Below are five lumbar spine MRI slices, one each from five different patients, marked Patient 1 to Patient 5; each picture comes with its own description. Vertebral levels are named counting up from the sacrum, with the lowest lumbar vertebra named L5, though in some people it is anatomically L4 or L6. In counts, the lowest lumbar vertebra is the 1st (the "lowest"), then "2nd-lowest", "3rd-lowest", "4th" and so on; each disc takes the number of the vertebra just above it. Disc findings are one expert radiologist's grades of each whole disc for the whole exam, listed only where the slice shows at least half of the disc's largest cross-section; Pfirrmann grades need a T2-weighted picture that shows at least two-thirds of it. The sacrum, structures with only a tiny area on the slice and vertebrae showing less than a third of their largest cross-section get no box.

Patient 1 of 5:
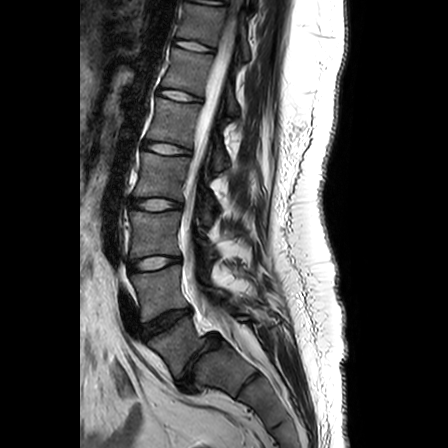 Slice 15 of 24, MRI lumbar spine (T2-weighted), sagittal plane, Image 448x448
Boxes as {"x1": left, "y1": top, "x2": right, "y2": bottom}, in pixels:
IVD L3/L4: {"x1": 129, "y1": 256, "x2": 180, "y2": 272}.
L1 vertebra: {"x1": 148, "y1": 98, "x2": 228, "y2": 169}.
L3: {"x1": 129, "y1": 210, "x2": 217, "y2": 257}.
T11 vertebra: {"x1": 177, "y1": 3, "x2": 249, "y2": 59}.
T12/L1: {"x1": 159, "y1": 89, "x2": 200, "y2": 100}.
IVD L5/S1: {"x1": 177, "y1": 334, "x2": 220, "y2": 388}.
L2/L3: {"x1": 130, "y1": 198, "x2": 181, "y2": 210}.
L5: {"x1": 148, "y1": 311, "x2": 253, "y2": 378}.
L4 vertebra: {"x1": 131, "y1": 265, "x2": 227, "y2": 321}.
Spinal canal: {"x1": 181, "y1": 2, "x2": 243, "y2": 347}.
L4/L5: {"x1": 142, "y1": 308, "x2": 191, "y2": 338}.
T12: {"x1": 162, "y1": 48, "x2": 238, "y2": 113}.
IVD T11/T12: {"x1": 175, "y1": 39, "x2": 212, "y2": 51}.
L2: {"x1": 134, "y1": 152, "x2": 215, "y2": 223}.
L1/L2: {"x1": 145, "y1": 142, "x2": 190, "y2": 154}.

Radiological gradings:
  T12/L1: Pfirrmann grade 1
  L1/L2: Pfirrmann grade 1
  T11/T12: Pfirrmann grade 1
  L3/L4: Pfirrmann grade 3
  L4/L5: Pfirrmann grade 1, disc bulging
  L2/L3: Pfirrmann grade 4
  L5/S1: Pfirrmann grade 1, disc bulging, lower-endplate change, spondylolisthesis, disc narrowing

Patient 2 of 5:
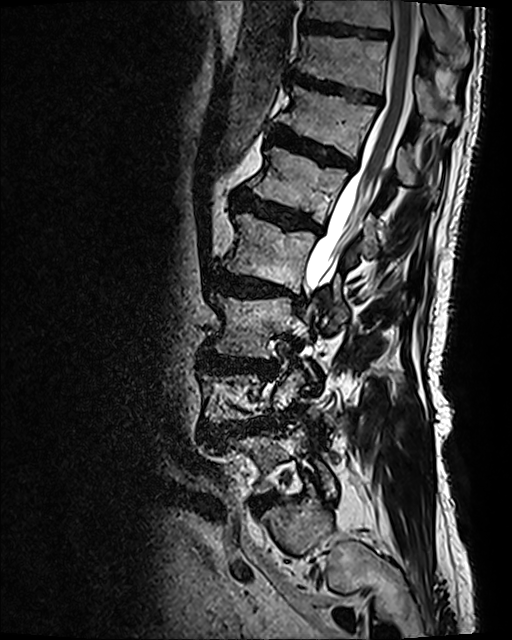 Field of view 240x300 mm | Sagittal T2 SPACE (3D) lumbar spine MRI | Slice 86 of 120 | Patient sex: M
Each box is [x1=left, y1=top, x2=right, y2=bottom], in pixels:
T10 (8th vertebra): [x1=303, y1=0, x2=460, y2=53] | L5/S1 (lowest disc): [x1=255, y1=498, x2=272, y2=512] | L2 (4th vertebra): [x1=224, y1=213, x2=347, y2=331] | T12 (6th vertebra): [x1=275, y1=87, x2=438, y2=197] | intervertebral disc T11/T12 (7th disc): [x1=291, y1=71, x2=381, y2=103] | L5 (lowest vertebra): [x1=239, y1=425, x2=334, y2=495] | intervertebral disc T10/T11 (8th disc): [x1=300, y1=22, x2=390, y2=39] | L3 (3rd-lowest vertebra): [x1=210, y1=294, x2=312, y2=374] | intervertebral disc L1/L2 (5th disc): [x1=236, y1=195, x2=320, y2=231] | intervertebral disc L2/L3 (4th disc): [x1=212, y1=270, x2=302, y2=304] | T12/L1 (6th disc): [x1=272, y1=126, x2=356, y2=168] | spinal canal: [x1=304, y1=1, x2=418, y2=300] | L4/L5 (2nd-lowest disc): [x1=226, y1=421, x2=260, y2=430] | L1 (5th vertebra): [x1=250, y1=146, x2=378, y2=255] | L3/L4 (3rd-lowest disc): [x1=200, y1=351, x2=274, y2=374] | T11 (7th vertebra): [x1=298, y1=36, x2=457, y2=119]

Per-level radiological findings:
  L1/L2 (5th disc): Pfirrmann grade 4, lower-endplate change, Modic type II, disc bulging, upper-endplate change
  T10/T11 (8th disc): Pfirrmann grade 3
  L2/L3 (4th disc): Pfirrmann grade 4, lower-endplate change, disc narrowing, upper-endplate change, Modic type I, disc bulging
  T12/L1 (6th disc): Pfirrmann grade 4, disc bulging, Modic type II, lower-endplate change, upper-endplate change
  L3/L4 (3rd-lowest disc): upper-endplate change, lower-endplate change, disc bulging
  T11/T12 (7th disc): Pfirrmann grade 4, lower-endplate change, disc bulging, upper-endplate change

Patient 3 of 5:
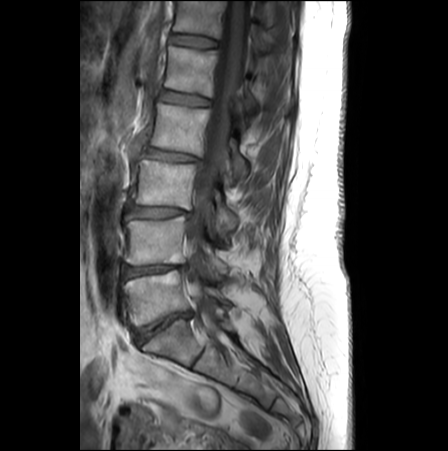

T1-weighted sagittal MRI of the lumbar spine | Patient sex: F
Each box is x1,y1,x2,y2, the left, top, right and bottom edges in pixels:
Structures:
* L1: 164,46,256,108
* L2/L3: 143,148,199,161
* L4: 124,216,227,275
* L5/S1: 135,311,190,343
* IVD L3/L4: 128,205,187,218
* IVD L1/L2: 160,90,209,106
* L5 vertebra: 122,269,228,325
* L2 vertebra: 149,102,248,177
* T12/L1: 170,33,216,47
* L4/L5: 122,265,185,279
* thecal sac / spinal canal: 183,0,249,341
* T12 vertebra: 173,0,271,52
* L3 vertebra: 134,159,237,230

Radiological gradings:
  L2/L3: disc narrowing, disc bulging
  L5/S1: disc bulging, disc narrowing, Modic type II
  L4/L5: disc narrowing, disc bulging, Modic type II, upper-endplate change
  L3/L4: Modic type II, disc bulging
  T12/L1, L1/L2: no spondylolisthesis, narrowing, bulging, herniation, Modic or endplate change recorded

Patient 4 of 5:
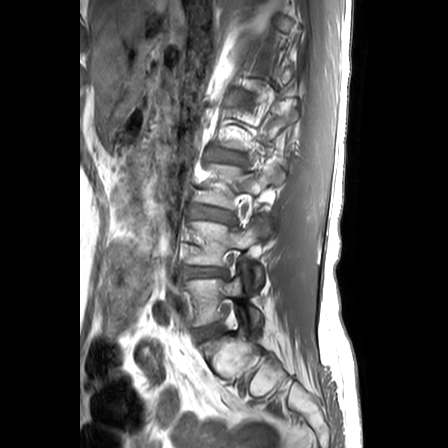

Slice 6/24; Lumbar spine MR, T1-weighted, sagittal; Field of view 280x280 mm, slice spacing 3.3 mm

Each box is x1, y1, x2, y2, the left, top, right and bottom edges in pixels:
Segmented structures:
* L4 vertebra — 188, 218, 270, 290
* L5 vertebra — 183, 276, 261, 332
* intervertebral disc L3/L4 — 192, 207, 235, 224
* intervertebral disc L4/L5 — 182, 267, 225, 277
* L5/S1 — 195, 324, 218, 339
* intervertebral disc L2/L3 — 214, 151, 241, 162

Expert MSK radiologist gradings (per disc):
- L3/L4: upper-endplate change, disc bulging, lower-endplate change
- L4/L5: disc narrowing, lower-endplate change, disc herniation, upper-endplate change

Patient 5 of 5:
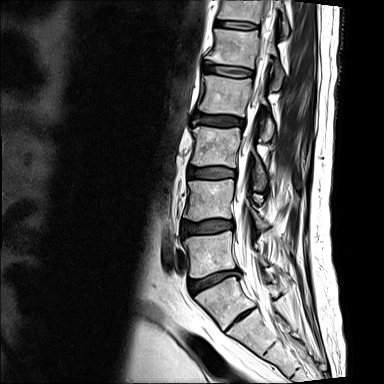

Lumbar spine MR, T2-weighted, sagittal

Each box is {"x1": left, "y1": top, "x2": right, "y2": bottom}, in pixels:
5th disc — {"x1": 204, "y1": 65, "x2": 253, "y2": 76} | 6th vertebra — {"x1": 218, "y1": 0, "x2": 289, "y2": 35} | 5th vertebra — {"x1": 207, "y1": 29, "x2": 283, "y2": 89} | 6th disc — {"x1": 216, "y1": 21, "x2": 257, "y2": 29} | 3rd-lowest vertebra — {"x1": 192, "y1": 127, "x2": 266, "y2": 189} | 4th vertebra — {"x1": 199, "y1": 75, "x2": 273, "y2": 140} | 4th disc — {"x1": 195, "y1": 113, "x2": 244, "y2": 127} | 2nd-lowest disc — {"x1": 182, "y1": 220, "x2": 233, "y2": 235} | lowest disc — {"x1": 188, "y1": 269, "x2": 238, "y2": 294} | 2nd-lowest vertebra — {"x1": 184, "y1": 179, "x2": 266, "y2": 227} | 3rd-lowest disc — {"x1": 188, "y1": 168, "x2": 235, "y2": 178} | spinal canal — {"x1": 237, "y1": 0, "x2": 277, "y2": 304} | lowest vertebra — {"x1": 184, "y1": 231, "x2": 268, "y2": 277}

Expert MSK radiologist gradings (per disc):
• 3rd-lowest disc: Pfirrmann grade 2
• 2nd-lowest disc: Pfirrmann grade 2, lower-endplate change, disc bulging, upper-endplate change
• 5th disc: Pfirrmann grade 2, lower-endplate change, Modic type II, upper-endplate change
• 4th disc: Pfirrmann grade 3, Modic type II, upper-endplate change, disc bulging, lower-endplate change
• 6th disc: Pfirrmann grade 2
• lowest disc: Pfirrmann grade 3, disc narrowing, disc herniation, lower-endplate change, Modic type II, upper-endplate change